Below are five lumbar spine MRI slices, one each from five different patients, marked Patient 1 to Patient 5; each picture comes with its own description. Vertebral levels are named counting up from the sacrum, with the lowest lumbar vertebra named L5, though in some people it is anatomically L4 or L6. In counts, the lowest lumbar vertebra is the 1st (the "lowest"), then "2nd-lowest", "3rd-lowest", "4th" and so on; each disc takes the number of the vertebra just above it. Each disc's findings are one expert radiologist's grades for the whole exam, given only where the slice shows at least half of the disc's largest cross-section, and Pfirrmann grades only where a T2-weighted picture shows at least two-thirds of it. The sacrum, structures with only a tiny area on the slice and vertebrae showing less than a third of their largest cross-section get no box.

Patient 1 of 5:
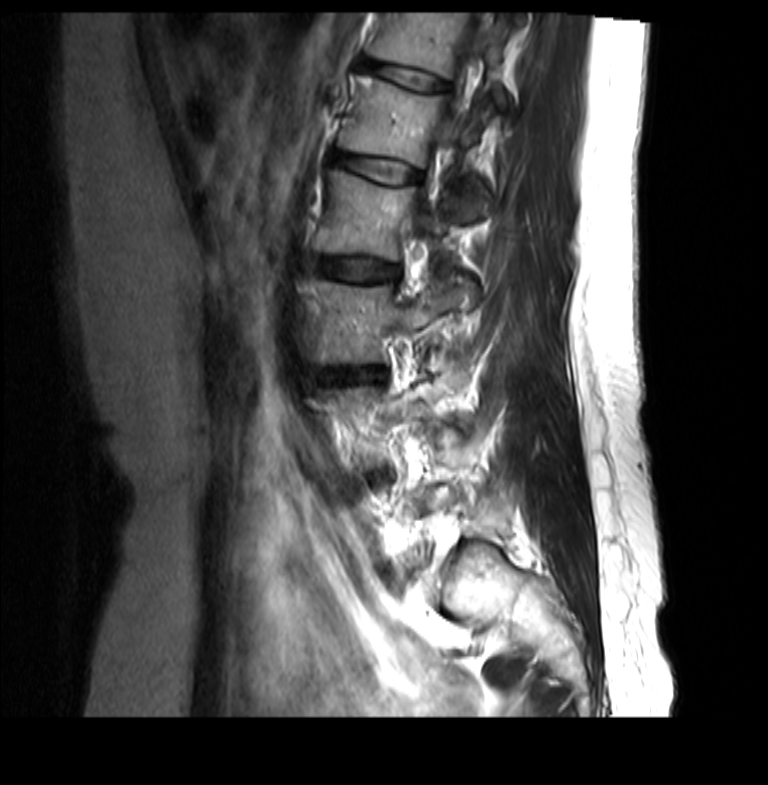

Field of view 280x286 mm. MRI lumbar spine (T2-weighted), sagittal plane.
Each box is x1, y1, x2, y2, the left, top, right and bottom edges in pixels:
L1 (5th vertebra): 339, 76, 490, 211 | L2/L3 (4th disc): 318, 258, 398, 282 | T12/L1 (6th disc): 361, 61, 447, 90 | T12 (6th vertebra): 369, 13, 507, 108 | L3/L4 (3rd-lowest disc): 328, 369, 383, 380 | L1/L2 (5th disc): 336, 154, 419, 183 | L2 (4th vertebra): 318, 172, 473, 259 | L3 (3rd-lowest vertebra): 311, 275, 473, 363

Per-level radiological findings:
• T12/L1 (6th disc): Pfirrmann grade 2
• L2/L3 (4th disc): Pfirrmann grade 2
• L1/L2 (5th disc): Pfirrmann grade 2

Patient 2 of 5:
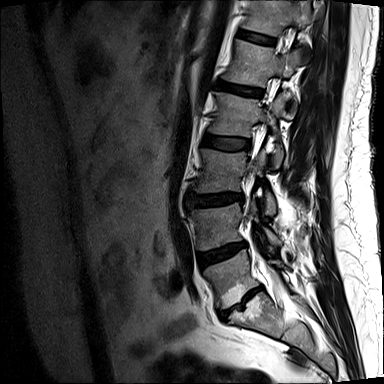 T2-weighted sagittal MRI of the lumbar spine, Patient sex: M

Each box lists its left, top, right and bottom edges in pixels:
T12 at left=241, top=0, right=314, bottom=36; IVD L5/S1 at left=219, top=287, right=262, bottom=317; L4/L5 at left=199, top=242, right=245, bottom=268; IVD L3/L4 at left=188, top=193, right=240, bottom=207; L5 vertebra at left=204, top=250, right=287, bottom=309; IVD L1/L2 at left=216, top=82, right=262, bottom=97; L4 vertebra at left=192, top=199, right=281, bottom=250; L3 at left=191, top=149, right=275, bottom=214; T12/L1 at left=236, top=30, right=272, bottom=46; L1 vertebra at left=222, top=40, right=301, bottom=118; L2/L3 at left=201, top=134, right=248, bottom=150; L2 vertebra at left=207, top=92, right=286, bottom=168.

Expert MSK radiologist gradings (per disc):
• L2/L3: Pfirrmann grade 1
• L3/L4: Pfirrmann grade 1, disc bulging
• L4/L5: Pfirrmann grade 4, disc narrowing, disc bulging, lower-endplate change
• L5/S1: Pfirrmann grade 5, upper-endplate change, lower-endplate change, Modic type II, disc narrowing, disc bulging
• T12/L1: Pfirrmann grade 2
• L1/L2: Pfirrmann grade 4, upper-endplate change

Patient 3 of 5:
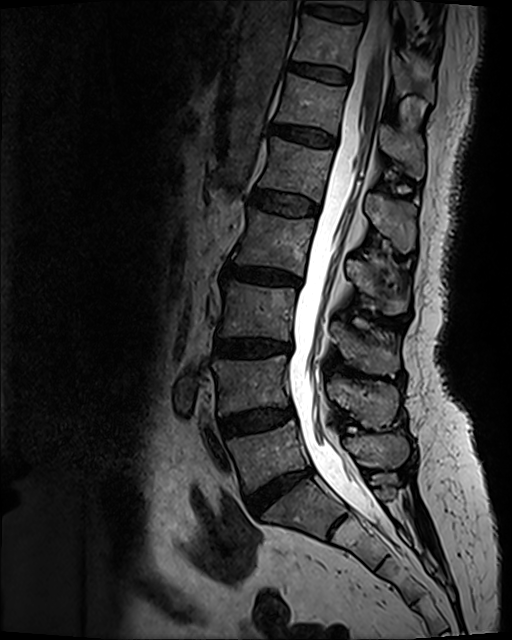 Patient sex: F. MRI lumbar spine (T2 SPACE (3D)), sagittal plane. 512x640 px.

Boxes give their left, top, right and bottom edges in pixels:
L4/L5 at left=220, top=407, right=292, bottom=436; L2 at left=233, top=208, right=409, bottom=313; T12 vertebra at left=275, top=73, right=425, bottom=179; T11 at left=293, top=15, right=434, bottom=101; thecal sac / spinal canal at left=288, top=1, right=390, bottom=532; disc T11/T12 at left=292, top=64, right=349, bottom=83; disc L2/L3 at left=223, top=262, right=299, bottom=284; L3 vertebra at left=219, top=281, right=398, bottom=375; L4 at left=212, top=354, right=397, bottom=427; L1 vertebra at left=259, top=137, right=414, bottom=252; disc T10/T11 at left=301, top=5, right=361, bottom=21; disc T12/L1 at left=270, top=124, right=335, bottom=146; L1/L2 at left=251, top=191, right=317, bottom=215; disc L3/L4 at left=213, top=339, right=290, bottom=355; T10 vertebra at left=307, top=0, right=414, bottom=20; L5/S1 at left=247, top=470, right=311, bottom=515; L5 vertebra at left=227, top=421, right=409, bottom=493.

Per-level radiological findings:
- L2/L3: Pfirrmann grade 4, lower-endplate change, upper-endplate change, Modic type II, disc bulging, disc narrowing
- L3/L4: Pfirrmann grade 4, disc bulging, Modic type II, disc narrowing, upper-endplate change, lower-endplate change
- L4/L5: Pfirrmann grade 3, disc bulging
- L1/L2: Pfirrmann grade 2
- T11/T12: Pfirrmann grade 2
- L5/S1: Pfirrmann grade 4, disc narrowing, disc bulging
- T10/T11: Pfirrmann grade 2
- T12/L1: Pfirrmann grade 3, disc bulging

Patient 4 of 5:
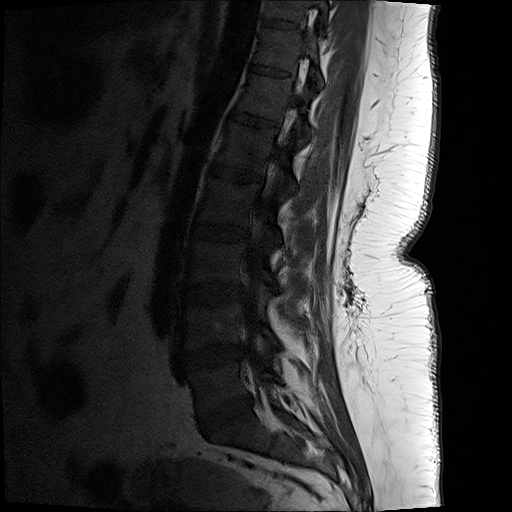
T1-weighted sagittal MRI of the lumbar spine.

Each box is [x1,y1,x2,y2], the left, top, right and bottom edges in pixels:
L4/L5 at [184,345,244,369], L5/S1 at [200,396,254,432], L3 at [189,241,280,289], T10 vertebra at [264,0,330,24], L2 at [198,176,282,241], intervertebral disc L1/L2 at [208,160,262,182], intervertebral disc T10/T11 at [263,18,298,29], T12/L1 at [230,106,278,127], T12 at [237,72,314,137], L3/L4 at [184,282,244,305], L2/L3 at [192,222,249,241], T11 vertebra at [255,27,323,85], L1 at [218,119,297,192], thecal sac / spinal canal at [244,84,301,378], L5 at [191,362,282,415], T11/T12 at [249,62,291,76], L4 vertebra at [187,302,281,348].

Per-level radiological findings:
- L4/L5: disc narrowing, disc bulging
- L5/S1: disc bulging, disc narrowing
- L3/L4, T12/L1, L1/L2, T11/T12, L2/L3, T10/T11: no Modic or endplate change, herniation, narrowing, bulging or spondylolisthesis recorded

Patient 5 of 5:
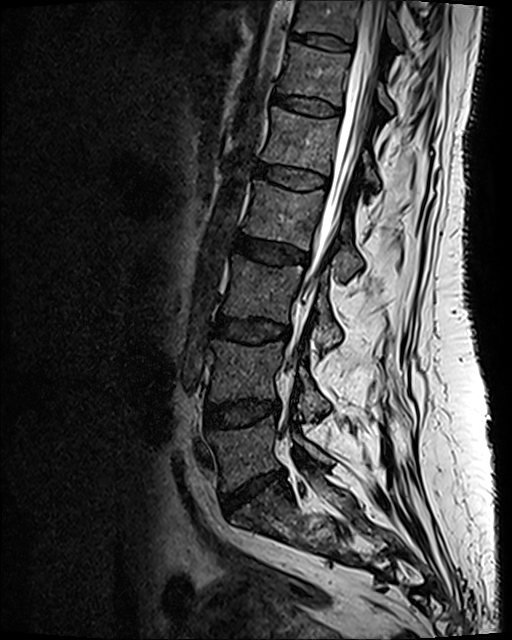 Sagittal slice index 51. Patient sex: F. T2 SPACE (3D) sagittal MRI of the lumbar spine.
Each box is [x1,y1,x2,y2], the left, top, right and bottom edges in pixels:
Disc T11/T12 (7th disc) at [289,31,352,51], T12 (6th vertebra) at [278,42,393,113], L3 (3rd-lowest vertebra) at [223,255,340,348], L1 (5th vertebra) at [262,107,379,187], L4/L5 (2nd-lowest disc) at [206,401,280,427], L5/S1 (lowest disc) at [223,470,284,513], thecal sac / spinal canal at [299,0,384,331], T11 (7th vertebra) at [294,0,404,51], L5 (lowest vertebra) at [209,419,331,491], disc L2/L3 (4th disc) at [236,235,309,264], L3/L4 (3rd-lowest disc) at [215,317,288,343], L4 (2nd-lowest vertebra) at [210,340,329,417], L2 (4th vertebra) at [243,180,362,277], L1/L2 (5th disc) at [256,164,327,189], T12/L1 (6th disc) at [274,94,340,115].

Radiological gradings:
• L2/L3 (4th disc): Pfirrmann grade 3, disc bulging
• T11/T12 (7th disc): Pfirrmann grade 2
• L3/L4 (3rd-lowest disc): Pfirrmann grade 3
• L4/L5 (2nd-lowest disc): Pfirrmann grade 3, disc bulging
• L1/L2 (5th disc): Pfirrmann grade 2
• L5/S1 (lowest disc): lower-endplate change, disc herniation, disc narrowing, upper-endplate change
• T12/L1 (6th disc): Pfirrmann grade 2